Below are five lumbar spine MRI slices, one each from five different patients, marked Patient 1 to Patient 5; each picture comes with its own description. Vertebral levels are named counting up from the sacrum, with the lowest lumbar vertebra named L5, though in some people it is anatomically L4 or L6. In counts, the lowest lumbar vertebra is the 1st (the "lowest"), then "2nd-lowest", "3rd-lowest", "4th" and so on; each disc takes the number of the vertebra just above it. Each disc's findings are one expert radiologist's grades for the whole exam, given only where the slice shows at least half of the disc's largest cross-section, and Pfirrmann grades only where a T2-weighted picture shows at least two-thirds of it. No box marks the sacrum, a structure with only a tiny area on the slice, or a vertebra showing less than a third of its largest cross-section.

Patient 1 of 5:
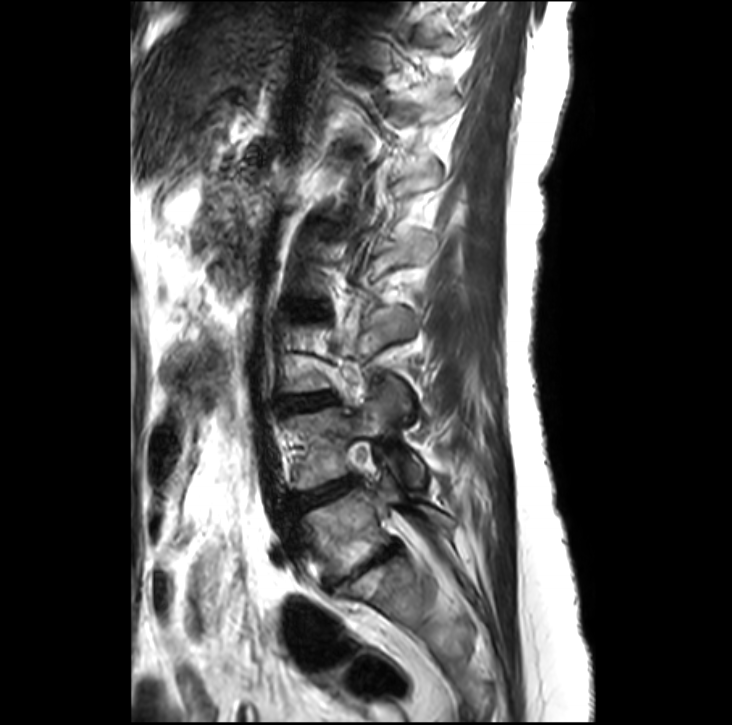
732x725 px | Sagittal T2-weighted lumbar spine MRI | Field of view 284x282 mm, slice spacing 3.3 mm

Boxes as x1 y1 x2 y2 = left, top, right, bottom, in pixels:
Lowest vertebra: 303 475 452 575.
Lowest disc: 325 541 400 591.
2nd-lowest disc: 292 478 359 508.
2nd-lowest vertebra: 289 374 424 487.
3rd-lowest disc: 283 395 331 408.

Radiological gradings:
• lowest disc: Pfirrmann grade 5, Modic type II, disc bulging, upper-endplate change, disc narrowing, lower-endplate change
• 2nd-lowest disc: disc bulging

Patient 2 of 5:
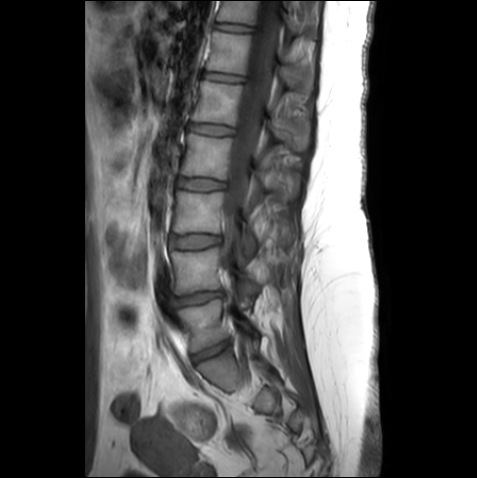
Field of view 280x281 mm | T1-weighted sagittal MRI of the lumbar spine

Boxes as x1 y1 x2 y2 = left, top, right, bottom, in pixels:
Segmented structures:
• intervertebral disc T11/T12 at 215 22 251 31
• spinal canal at 221 1 278 275
• intervertebral disc L5/S1 at 193 341 228 362
• intervertebral disc L4/L5 at 173 291 221 305
• intervertebral disc L2/L3 at 179 178 224 190
• intervertebral disc L1/L2 at 189 123 232 135
• L1 at 192 81 310 150
• L5 at 178 299 258 352
• L4 vertebra at 171 247 260 294
• intervertebral disc T12/L1 at 203 71 243 81
• T11 at 216 1 316 45
• L2 vertebra at 181 134 298 203
• T12 vertebra at 205 31 314 91
• L3/L4 at 171 234 219 248
• L3 at 173 191 256 255

Radiological gradings:
  L4/L5: disc bulging, disc narrowing
  L2/L3, L1/L2, L5/S1, T11/T12, T12/L1, L3/L4: no herniation, bulging, narrowing, spondylolisthesis, endplate or Modic change recorded

Patient 3 of 5:
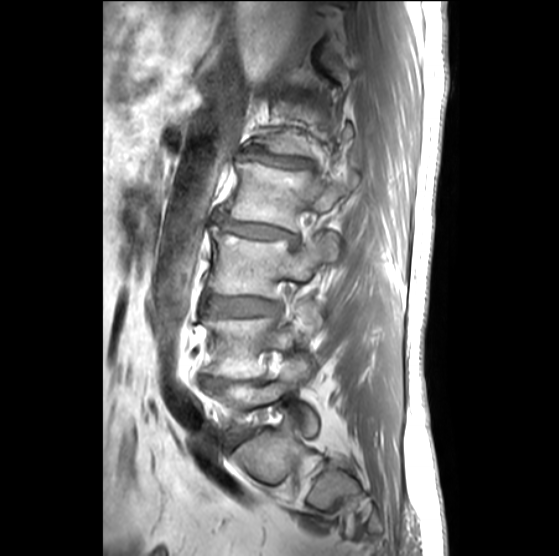

Lumbar spine MR, T1-weighted, sagittal, Slice 21/27
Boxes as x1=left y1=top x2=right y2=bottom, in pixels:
L4/L5 (2nd-lowest disc) — x1=203 y1=377 x2=266 y2=383.
L3/L4 (3rd-lowest disc) — x1=209 y1=295 x2=279 y2=315.
L5/S1 (lowest disc) — x1=231 y1=431 x2=252 y2=444.
L4 (2nd-lowest vertebra) — x1=204 y1=301 x2=321 y2=377.
L2/L3 (4th disc) — x1=218 y1=216 x2=297 y2=244.
L5 (lowest vertebra) — x1=208 y1=356 x2=318 y2=436.
L2 (4th vertebra) — x1=230 y1=160 x2=358 y2=231.
L3 (3rd-lowest vertebra) — x1=210 y1=226 x2=339 y2=297.
L1/L2 (5th disc) — x1=242 y1=151 x2=311 y2=168.

Degenerative findings by level:
• L2/L3 (4th disc): upper-endplate change, lower-endplate change, Modic type II, disc narrowing, disc bulging
• L4/L5 (2nd-lowest disc): lower-endplate change, Modic type II, upper-endplate change, disc narrowing
• L3/L4 (3rd-lowest disc): disc bulging
• L1/L2 (5th disc): Modic type III, upper-endplate change, lower-endplate change, disc narrowing, disc bulging

Patient 4 of 5:
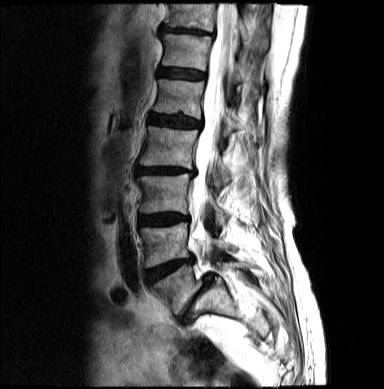 T2-weighted sagittal MRI of the lumbar spine; Image 384x389

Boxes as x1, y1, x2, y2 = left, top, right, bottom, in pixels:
Thecal sac / spinal canal: 192, 4, 237, 263.
2nd-lowest vertebra: 141, 222, 235, 269.
6th disc: 159, 68, 205, 79.
7th disc: 161, 26, 209, 35.
4th vertebra: 140, 127, 233, 182.
6th vertebra: 162, 34, 245, 80.
5th vertebra: 155, 80, 240, 131.
Lowest disc: 179, 274, 215, 323.
3rd-lowest vertebra: 138, 173, 228, 225.
4th disc: 138, 168, 196, 177.
3rd-lowest disc: 140, 215, 188, 225.
5th disc: 151, 115, 202, 127.
7th vertebra: 164, 4, 268, 46.
2nd-lowest disc: 145, 259, 195, 283.
Lowest vertebra: 151, 263, 245, 313.

Expert MSK radiologist gradings (per disc):
  5th disc: Pfirrmann grade 4, lower-endplate change, disc bulging
  lowest disc: Pfirrmann grade 5, spondylolisthesis, disc herniation, Modic type II, upper-endplate change, disc narrowing, disc bulging, lower-endplate change
  6th disc: Pfirrmann grade 3
  4th disc: Pfirrmann grade 4, disc narrowing, Modic type II, disc bulging
  3rd-lowest disc: Pfirrmann grade 4, disc bulging
  2nd-lowest disc: Pfirrmann grade 4, Modic type II, disc narrowing
  7th disc: Pfirrmann grade 4, disc narrowing, disc bulging

Patient 5 of 5:
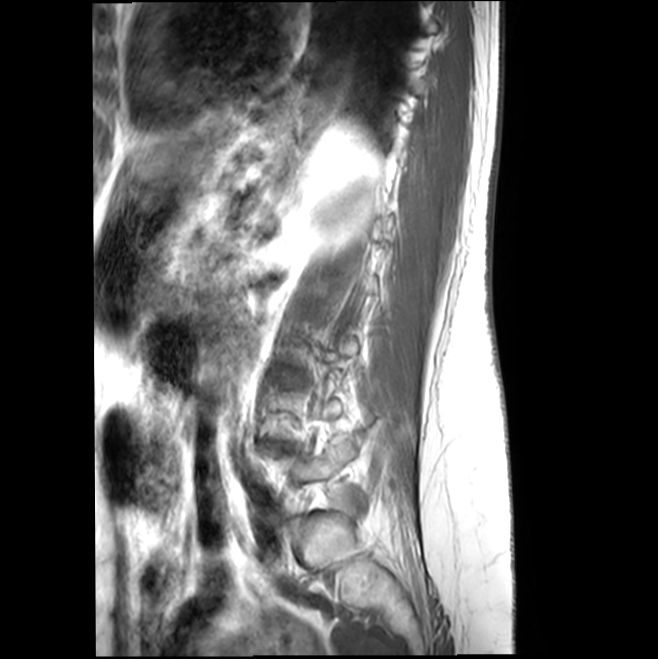
Sagittal slice index 14 | Image 658x659 | MRI lumbar spine (T1-weighted), sagittal plane

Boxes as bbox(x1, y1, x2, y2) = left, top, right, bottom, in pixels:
Segmented structures:
• IVD L4/L5 (2nd-lowest disc) — bbox(277, 443, 291, 450)
• L5 (lowest vertebra) — bbox(279, 435, 361, 496)